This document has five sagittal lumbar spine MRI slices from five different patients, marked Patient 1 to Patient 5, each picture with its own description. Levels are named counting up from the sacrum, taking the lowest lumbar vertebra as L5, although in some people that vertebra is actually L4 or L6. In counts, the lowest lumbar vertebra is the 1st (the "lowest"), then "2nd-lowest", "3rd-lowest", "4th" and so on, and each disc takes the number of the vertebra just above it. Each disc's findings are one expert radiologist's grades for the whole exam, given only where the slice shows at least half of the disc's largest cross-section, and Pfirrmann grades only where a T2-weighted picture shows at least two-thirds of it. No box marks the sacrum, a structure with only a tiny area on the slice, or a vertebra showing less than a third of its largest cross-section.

Patient 1 of 5:
Lumbar spine MR, T2-weighted, sagittal; Image 320x320

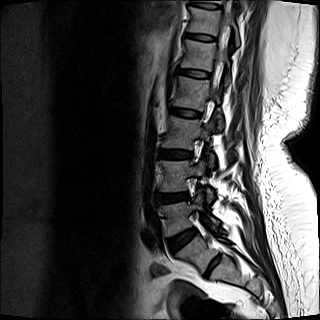
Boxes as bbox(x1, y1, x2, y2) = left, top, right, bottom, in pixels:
L2 — bbox(173, 76, 223, 129).
L3 — bbox(162, 116, 213, 167).
Thecal sac / spinal canal — bbox(222, 1, 232, 43).
T12/L1 — bbox(185, 33, 216, 41).
L5/S1 — bbox(167, 229, 197, 251).
L5 — bbox(160, 193, 219, 236).
Disc L1/L2 — bbox(178, 69, 210, 77).
Disc L2/L3 — bbox(171, 108, 200, 117).
L3/L4 — bbox(160, 150, 192, 159).
L4/L5 — bbox(158, 193, 188, 202).
T12 — bbox(187, 7, 239, 46).
L1 — bbox(182, 40, 230, 85).
L4 — bbox(160, 160, 213, 202).

Expert MSK radiologist gradings (per disc):
  L4/L5: Modic type II, disc narrowing, disc bulging
  L5/S1: Pfirrmann grade 2
  T12/L1: Pfirrmann grade 2
  L2/L3: Pfirrmann grade 2
  L1/L2: Pfirrmann grade 2
  L3/L4: Pfirrmann grade 2, lower-endplate change

Patient 2 of 5:
Lumbar spine MR, T1-weighted, sagittal

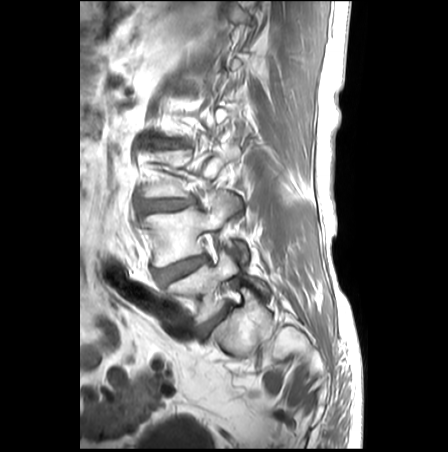

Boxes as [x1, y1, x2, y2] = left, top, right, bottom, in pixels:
Structures:
* 2nd-lowest vertebra at [145, 194, 247, 266]
* lowest disc at [198, 306, 229, 338]
* lowest vertebra at [167, 250, 268, 324]
* 3rd-lowest disc at [142, 197, 195, 213]
* 4th disc at [148, 136, 186, 148]
* 3rd-lowest vertebra at [143, 144, 239, 197]
* 2nd-lowest disc at [154, 254, 208, 285]

Expert MSK radiologist gradings (per disc):
  3rd-lowest disc: disc bulging, disc narrowing
  2nd-lowest disc: disc bulging

Patient 3 of 5:
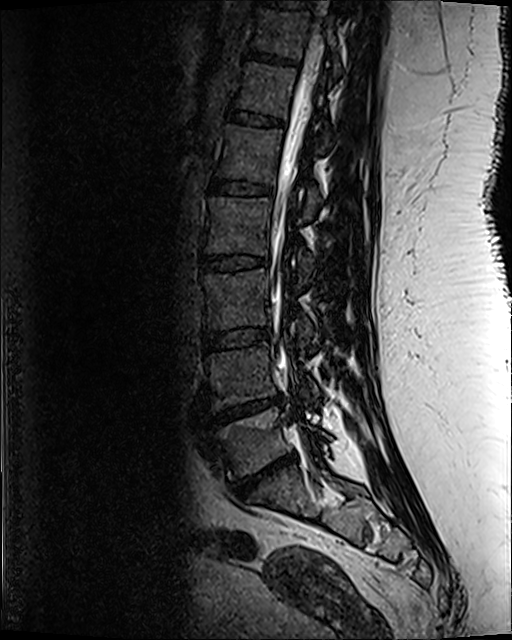

T2 SPACE (3D) sagittal MRI of the lumbar spine, Field of view 240x300 mm
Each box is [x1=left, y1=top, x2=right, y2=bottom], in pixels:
Structures:
- spinal canal: [x1=271, y1=34, x2=324, y2=371]
- 2nd-lowest disc: [x1=213, y1=399, x2=281, y2=424]
- 2nd-lowest vertebra: [x1=209, y1=343, x2=319, y2=407]
- 3rd-lowest disc: [x1=205, y1=329, x2=269, y2=350]
- 6th disc: [x1=228, y1=112, x2=283, y2=127]
- 7th disc: [x1=246, y1=51, x2=296, y2=65]
- 4th disc: [x1=202, y1=255, x2=265, y2=271]
- lowest disc: [x1=232, y1=455, x2=295, y2=497]
- 3rd-lowest vertebra: [x1=206, y1=270, x2=315, y2=347]
- 6th vertebra: [x1=237, y1=63, x2=329, y2=141]
- 5th disc: [x1=211, y1=180, x2=271, y2=194]
- 5th vertebra: [x1=218, y1=126, x2=319, y2=216]
- 7th vertebra: [x1=253, y1=9, x2=340, y2=74]
- 8th disc: [x1=264, y1=0, x2=311, y2=8]
- lowest vertebra: [x1=212, y1=407, x2=331, y2=477]
- 4th vertebra: [x1=207, y1=198, x2=313, y2=282]

Expert MSK radiologist gradings (per disc):
  2nd-lowest disc: Modic type II, disc herniation, disc narrowing, lower-endplate change, upper-endplate change
  lowest disc: Pfirrmann grade 5, lower-endplate change, Modic type II, upper-endplate change, disc herniation, disc narrowing
  4th disc: Pfirrmann grade 3, upper-endplate change, lower-endplate change
  5th disc: Pfirrmann grade 3, lower-endplate change
  6th disc: Pfirrmann grade 3
  7th disc: lower-endplate change
  3rd-lowest disc: Pfirrmann grade 3

Patient 4 of 5:
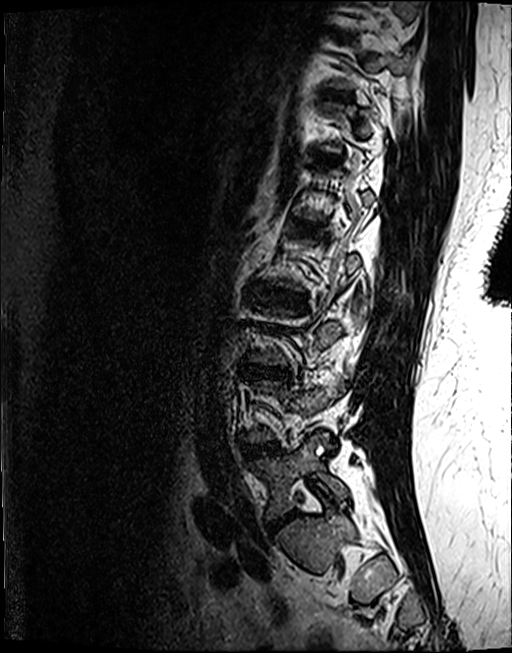 Sagittal T2 SPACE (3D) lumbar spine MRI.

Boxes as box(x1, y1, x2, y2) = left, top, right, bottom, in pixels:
IVD L2/L3 at box(260, 290, 306, 306); IVD T12/L1 at box(313, 153, 339, 163); L5/S1 at box(266, 510, 299, 533); L1/L2 at box(296, 222, 316, 232); T11/T12 at box(326, 92, 351, 97); L3/L4 at box(248, 367, 289, 377); L5 vertebra at box(247, 432, 347, 519); L4/L5 at box(244, 443, 277, 455).

Patient 5 of 5:
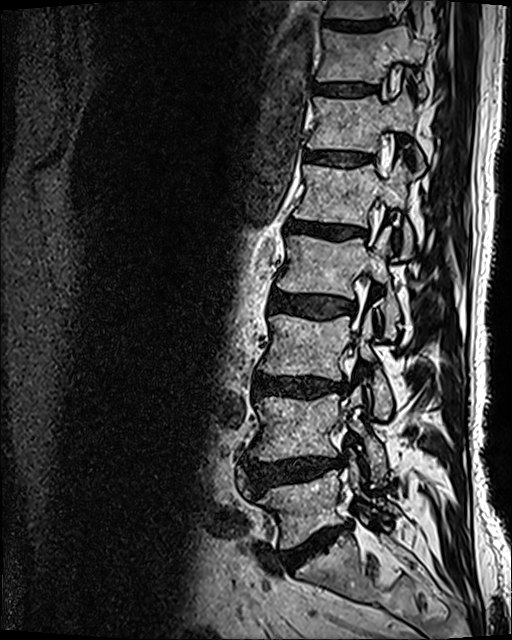 512x640 px | Sagittal T2 SPACE (3D) lumbar spine MRI | Slice 48 of 120
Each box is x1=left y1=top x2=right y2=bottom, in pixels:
* L4/L5 (2nd-lowest disc): x1=246 y1=455 x2=343 y2=488
* L3/L4 (3rd-lowest disc): x1=254 y1=376 x2=347 y2=398
* intervertebral disc L5/S1 (lowest disc): x1=284 y1=525 x2=349 y2=569
* T11/T12 (7th disc): x1=315 y1=84 x2=376 y2=96
* T10 (8th vertebra): x1=325 y1=0 x2=424 y2=30
* L1/L2 (5th disc): x1=287 y1=219 x2=365 y2=238
* L5 (lowest vertebra): x1=258 y1=462 x2=398 y2=547
* L2 (4th vertebra): x1=277 y1=228 x2=399 y2=338
* T12 (6th vertebra): x1=307 y1=83 x2=425 y2=175
* L2/L3 (4th disc): x1=269 y1=290 x2=356 y2=319
* T10/T11 (8th disc): x1=323 y1=20 x2=386 y2=29
* L4 (2nd-lowest vertebra): x1=249 y1=394 x2=387 y2=480
* L1 (5th vertebra): x1=293 y1=156 x2=412 y2=257
* T11 (7th vertebra): x1=317 y1=19 x2=426 y2=97
* L3 (3rd-lowest vertebra): x1=258 y1=310 x2=392 y2=419
* intervertebral disc T12/L1 (6th disc): x1=305 y1=150 x2=373 y2=165

Degenerative findings by level:
- L2/L3 (4th disc): Pfirrmann grade 3, disc bulging
- L1/L2 (5th disc): Pfirrmann grade 4, Modic type II, upper-endplate change, lower-endplate change, disc narrowing, disc bulging
- T12/L1 (6th disc): Pfirrmann grade 3
- L4/L5 (2nd-lowest disc): Pfirrmann grade 4, disc bulging, disc herniation
- T11/T12 (7th disc): Pfirrmann grade 3
- L5/S1 (lowest disc): disc narrowing, Modic type II, disc bulging, lower-endplate change
- L3/L4 (3rd-lowest disc): Pfirrmann grade 4, lower-endplate change, disc bulging, disc narrowing, Modic type II